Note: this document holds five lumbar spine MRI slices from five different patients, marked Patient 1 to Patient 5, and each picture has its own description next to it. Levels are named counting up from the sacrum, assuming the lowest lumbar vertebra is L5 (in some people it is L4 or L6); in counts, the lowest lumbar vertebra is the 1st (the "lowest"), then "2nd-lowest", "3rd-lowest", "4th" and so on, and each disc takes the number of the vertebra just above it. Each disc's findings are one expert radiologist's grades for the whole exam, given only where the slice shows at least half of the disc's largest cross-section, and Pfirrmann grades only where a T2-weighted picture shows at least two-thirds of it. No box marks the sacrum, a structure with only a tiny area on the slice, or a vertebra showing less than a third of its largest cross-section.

Patient 1 of 5:
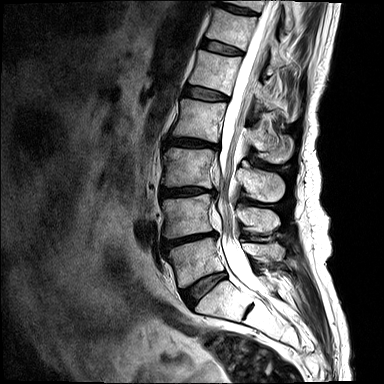 Sex M | Image 384x384 | MRI lumbar spine (T2-weighted), sagittal plane | Field of view 280x280 mm
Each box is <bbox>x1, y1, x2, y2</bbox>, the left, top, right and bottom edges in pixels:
* 4th disc: <bbox>166, 137, 219, 149</bbox>
* 7th vertebra: <bbox>227, 0, 294, 31</bbox>
* 5th vertebra: <bbox>189, 49, 298, 122</bbox>
* 2nd-lowest vertebra: <bbox>163, 194, 279, 238</bbox>
* 6th vertebra: <bbox>206, 7, 285, 74</bbox>
* 3rd-lowest vertebra: <bbox>162, 147, 284, 202</bbox>
* lowest disc: <bbox>182, 272, 226, 307</bbox>
* 6th disc: <bbox>201, 39, 243, 55</bbox>
* 5th disc: <bbox>184, 85, 228, 100</bbox>
* thecal sac / spinal canal: <bbox>214, 0, 279, 288</bbox>
* 7th disc: <bbox>214, 0, 258, 15</bbox>
* 2nd-lowest disc: <bbox>163, 232, 217, 251</bbox>
* 4th vertebra: <bbox>173, 98, 293, 163</bbox>
* 3rd-lowest disc: <bbox>161, 187, 214, 196</bbox>
* lowest vertebra: <bbox>168, 237, 283, 287</bbox>

Expert MSK radiologist gradings (per disc):
- 6th disc: Pfirrmann grade 3
- 2nd-lowest disc: Pfirrmann grade 4, upper-endplate change, Modic type I, disc bulging, lower-endplate change, disc narrowing
- 7th disc: Pfirrmann grade 3, lower-endplate change, upper-endplate change
- 5th disc: Pfirrmann grade 3
- 4th disc: Pfirrmann grade 4, upper-endplate change, Modic type II, lower-endplate change, disc bulging, disc narrowing
- lowest disc: Pfirrmann grade 3, Modic type II, disc bulging
- 3rd-lowest disc: Pfirrmann grade 4, lower-endplate change, disc bulging, disc narrowing, Modic type II, upper-endplate change, disc herniation

Patient 2 of 5:
Patient sex: M, Slice 4 of 15, Sagittal T2-weighted lumbar spine MRI 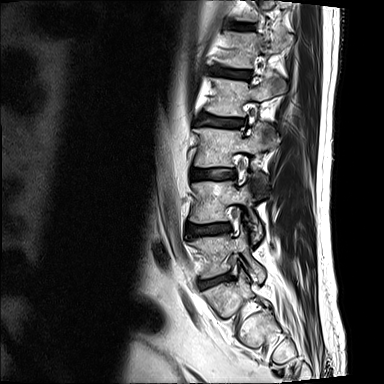

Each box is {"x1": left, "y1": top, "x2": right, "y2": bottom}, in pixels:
5th vertebra — {"x1": 221, "y1": 33, "x2": 293, "y2": 67} | lowest disc — {"x1": 201, "y1": 275, "x2": 229, "y2": 287} | lowest vertebra — {"x1": 192, "y1": 226, "x2": 264, "y2": 282} | 6th disc — {"x1": 236, "y1": 23, "x2": 250, "y2": 28} | 4th disc — {"x1": 200, "y1": 114, "x2": 244, "y2": 127} | 5th disc — {"x1": 214, "y1": 67, "x2": 250, "y2": 79} | 3rd-lowest vertebra — {"x1": 195, "y1": 124, "x2": 276, "y2": 167} | 2nd-lowest disc — {"x1": 187, "y1": 224, "x2": 228, "y2": 236} | 3rd-lowest disc — {"x1": 192, "y1": 169, "x2": 234, "y2": 179} | 4th vertebra — {"x1": 206, "y1": 76, "x2": 285, "y2": 116} | 2nd-lowest vertebra — {"x1": 190, "y1": 182, "x2": 262, "y2": 240}

Radiological gradings:
- 2nd-lowest disc: Pfirrmann grade 2, lower-endplate change, upper-endplate change, disc bulging
- 3rd-lowest disc: Pfirrmann grade 2
- 5th disc: Pfirrmann grade 2, upper-endplate change, lower-endplate change, Modic type II
- 4th disc: Pfirrmann grade 3, Modic type II, disc bulging, lower-endplate change, upper-endplate change

Patient 3 of 5:
Sagittal T2-weighted lumbar spine MRI; Image 1089x1120; Philips Healthcare Ingenia (3T); Slice 23 of 36
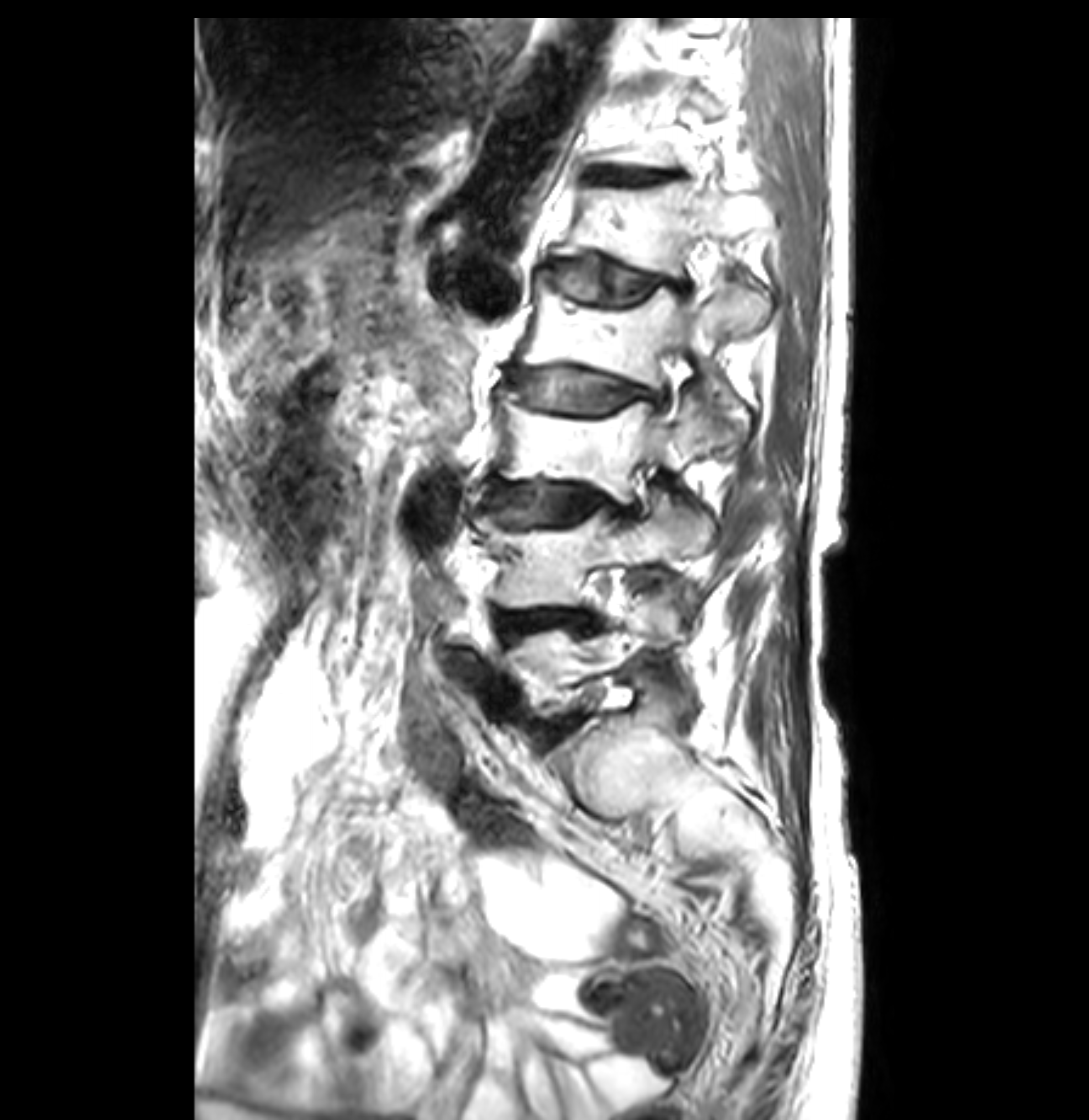 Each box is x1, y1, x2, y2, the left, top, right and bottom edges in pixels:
5th vertebra — 552, 179, 765, 276.
Lowest disc — 535, 714, 576, 742.
3rd-lowest vertebra — 499, 389, 719, 501.
4th vertebra — 518, 275, 768, 447.
2nd-lowest vertebra — 477, 497, 714, 608.
6th disc — 591, 169, 661, 183.
3rd-lowest disc — 484, 480, 639, 528.
Lowest vertebra — 510, 592, 675, 718.
Spinal canal — 652, 422, 663, 432.
5th disc — 547, 260, 690, 302.
2nd-lowest disc — 491, 611, 585, 636.
4th disc — 510, 370, 668, 410.

Per-level radiological findings:
  3rd-lowest disc: Pfirrmann grade 4, upper-endplate change, disc narrowing, lower-endplate change, disc bulging, Modic type II
  5th disc: Pfirrmann grade 3, upper-endplate change, Modic type II, disc bulging, lower-endplate change
  4th disc: Pfirrmann grade 3, lower-endplate change, disc narrowing, Modic type II, upper-endplate change, disc bulging

Patient 4 of 5:
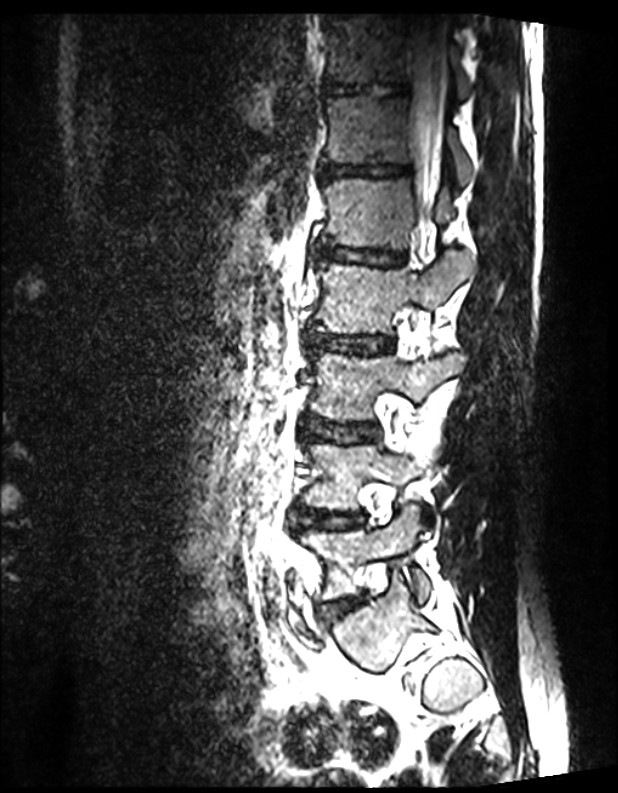 Lumbar spine MR, T2 SPACE (3D), sagittal.
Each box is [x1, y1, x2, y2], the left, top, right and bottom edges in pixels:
2nd-lowest vertebra at [306, 444, 444, 510], 3rd-lowest disc at [309, 421, 376, 442], 6th vertebra at [327, 95, 473, 184], 3rd-lowest vertebra at [313, 352, 463, 420], 5th disc at [317, 245, 405, 266], 2nd-lowest disc at [303, 511, 363, 527], 4th vertebra at [317, 251, 474, 334], 7th vertebra at [323, 14, 468, 99], 6th disc at [321, 163, 410, 178], spinal canal at [408, 24, 445, 203], lowest vertebra at [305, 506, 429, 601], 4th disc at [306, 333, 391, 354], 7th disc at [326, 83, 407, 96], lowest disc at [323, 599, 359, 618], 5th vertebra at [323, 179, 453, 247].

Expert MSK radiologist gradings (per disc):
• 7th disc: Pfirrmann grade 1
• 6th disc: Pfirrmann grade 1
• 4th disc: Pfirrmann grade 1
• 5th disc: Pfirrmann grade 1
• 3rd-lowest disc: no spondylolisthesis, narrowing, bulging, herniation, Modic or endplate change recorded

Patient 5 of 5:
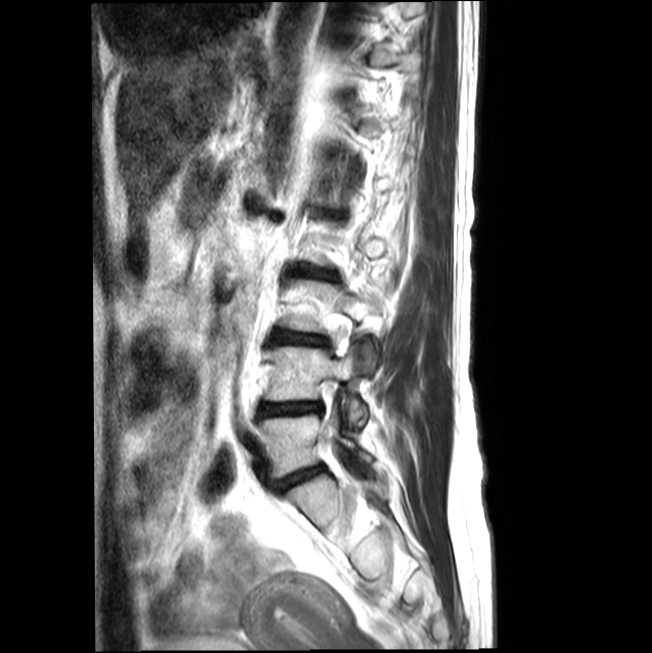 Slice 13/17; Sagittal T2-weighted lumbar spine MRI
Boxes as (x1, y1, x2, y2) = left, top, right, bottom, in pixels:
2nd-lowest vertebra: (265, 346, 367, 425)
lowest vertebra: (260, 411, 371, 476)
4th disc: (302, 269, 334, 279)
lowest disc: (275, 467, 323, 489)
3rd-lowest vertebra: (282, 279, 387, 371)
3rd-lowest disc: (273, 331, 325, 344)
2nd-lowest disc: (260, 404, 321, 416)

Degenerative findings by level:
• 2nd-lowest disc: Pfirrmann grade 3, disc herniation, disc narrowing
• 3rd-lowest disc: disc narrowing, upper-endplate change, lower-endplate change